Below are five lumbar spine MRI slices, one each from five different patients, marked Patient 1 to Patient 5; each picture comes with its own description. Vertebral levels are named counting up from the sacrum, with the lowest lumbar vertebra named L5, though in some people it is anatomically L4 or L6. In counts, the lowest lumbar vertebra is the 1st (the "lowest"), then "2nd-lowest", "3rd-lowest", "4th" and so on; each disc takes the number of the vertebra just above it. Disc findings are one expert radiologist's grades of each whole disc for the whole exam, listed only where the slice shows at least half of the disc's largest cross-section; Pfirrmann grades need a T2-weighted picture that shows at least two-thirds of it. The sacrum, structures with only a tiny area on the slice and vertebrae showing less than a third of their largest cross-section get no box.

Patient 1 of 5:
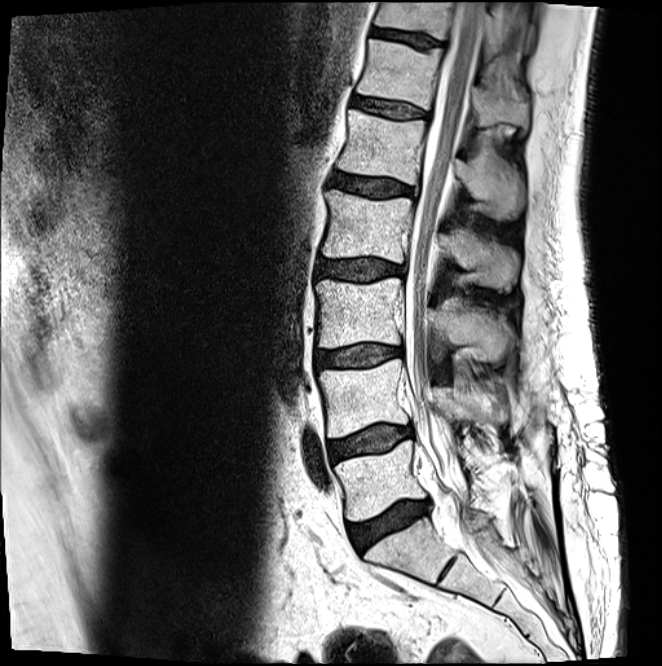
Sex M. Slice 11/21. Field of view 300x302 mm. MRI lumbar spine (T2-weighted), sagittal plane.

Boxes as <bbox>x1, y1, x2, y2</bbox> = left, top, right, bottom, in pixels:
L1 (5th vertebra): <bbox>338, 108, 524, 219</bbox>
L3/L4 (3rd-lowest disc): <bbox>316, 344, 401, 369</bbox>
L2 (4th vertebra): <bbox>322, 189, 519, 292</bbox>
L5/S1 (lowest disc): <bbox>348, 501, 430, 551</bbox>
disc L4/L5 (2nd-lowest disc): <bbox>327, 425, 413, 461</bbox>
disc T12/L1 (6th disc): <bbox>353, 96, 427, 118</bbox>
L5 (lowest vertebra): <bbox>334, 440, 509, 521</bbox>
T11 (7th vertebra): <bbox>375, 2, 506, 58</bbox>
thecal sac / spinal canal: <bbox>404, 2, 481, 498</bbox>
disc L1/L2 (5th disc): <bbox>332, 172, 414, 196</bbox>
disc T11/T12 (7th disc): <bbox>372, 28, 440, 47</bbox>
T12 (6th vertebra): <bbox>357, 40, 528, 128</bbox>
L4 (2nd-lowest vertebra): <bbox>318, 359, 502, 437</bbox>
disc L2/L3 (4th disc): <bbox>317, 259, 404, 281</bbox>
L3 (3rd-lowest vertebra): <bbox>316, 278, 514, 363</bbox>

Expert MSK radiologist gradings (per disc):
• L5/S1 (lowest disc): Pfirrmann grade 3, disc bulging, disc narrowing, Modic type II
• T12/L1 (6th disc): Pfirrmann grade 2
• L3/L4 (3rd-lowest disc): Pfirrmann grade 2, Modic type II, disc bulging
• L2/L3 (4th disc): Pfirrmann grade 3, disc bulging
• L4/L5 (2nd-lowest disc): Pfirrmann grade 2, Modic type II, disc bulging
• L1/L2 (5th disc): Pfirrmann grade 3, disc bulging
• T11/T12 (7th disc): Pfirrmann grade 3

Patient 2 of 5:
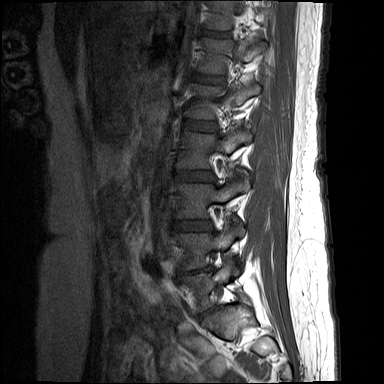

384x384 px; Lumbar spine MR, T1-weighted, sagittal

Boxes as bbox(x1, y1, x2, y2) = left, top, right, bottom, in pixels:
Annotations:
* disc T12/L1 (6th disc) = bbox(192, 73, 222, 83)
* L5 (lowest vertebra) = bbox(186, 258, 238, 311)
* L4/L5 (2nd-lowest disc) = bbox(188, 266, 211, 273)
* disc L1/L2 (5th disc) = bbox(183, 119, 214, 131)
* L4 (2nd-lowest vertebra) = bbox(176, 220, 244, 269)
* disc L2/L3 (4th disc) = bbox(176, 171, 213, 181)
* T11 (7th vertebra) = bbox(209, 0, 259, 29)
* L5/S1 (lowest disc) = bbox(199, 306, 218, 318)
* T11/T12 (7th disc) = bbox(205, 31, 227, 37)
* L3/L4 (3rd-lowest disc) = bbox(174, 220, 211, 230)
* L3 (3rd-lowest vertebra) = bbox(177, 176, 249, 218)
* L1 (5th vertebra) = bbox(188, 84, 260, 118)
* L2 (4th vertebra) = bbox(177, 131, 251, 168)
* T12 (6th vertebra) = bbox(200, 38, 265, 73)

Per-level radiological findings:
- L2/L3 (4th disc): disc bulging
- L3/L4 (3rd-lowest disc): upper-endplate change, disc bulging
- T12/L1 (6th disc), L1/L2 (5th disc), T11/T12 (7th disc): no Modic or endplate change, herniation, narrowing, bulging or spondylolisthesis recorded

Patient 3 of 5:
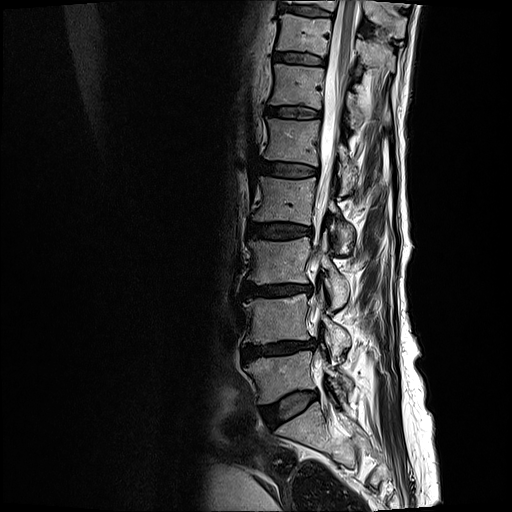 MRI lumbar spine (T2-weighted), sagittal plane. 512x512 px.
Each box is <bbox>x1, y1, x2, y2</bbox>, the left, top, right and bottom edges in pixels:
intervertebral disc T11/T12 (7th disc) at <bbox>273, 51, 326, 64</bbox> | T12 (6th vertebra) at <bbox>269, 64, 390, 128</bbox> | L3 (3rd-lowest vertebra) at <bbox>248, 233, 349, 307</bbox> | T11 (7th vertebra) at <bbox>276, 14, 394, 73</bbox> | L2/L3 (4th disc) at <bbox>247, 222, 312, 238</bbox> | intervertebral disc T12/L1 (6th disc) at <bbox>267, 106, 320, 117</bbox> | L3/L4 (3rd-lowest disc) at <bbox>243, 283, 311, 296</bbox> | L2 (4th vertebra) at <bbox>252, 176, 354, 252</bbox> | intervertebral disc L5/S1 (lowest disc) at <bbox>263, 391, 317, 423</bbox> | L5 (lowest vertebra) at <bbox>246, 350, 353, 404</bbox> | T10 (8th vertebra) at <bbox>288, 0, 406, 37</bbox> | spinal canal at <bbox>311, 0, 358, 320</bbox> | L1 (5th vertebra) at <bbox>265, 117, 358, 193</bbox> | L1/L2 (5th disc) at <bbox>260, 162, 317, 177</bbox> | L4 (2nd-lowest vertebra) at <bbox>243, 291, 351, 357</bbox> | L4/L5 (2nd-lowest disc) at <bbox>243, 340, 315, 360</bbox> | T10/T11 (8th disc) at <bbox>282, 6, 332, 16</bbox>

Per-level radiological findings:
  T12/L1 (6th disc): Pfirrmann grade 2, Modic type II, upper-endplate change, lower-endplate change
  L3/L4 (3rd-lowest disc): Pfirrmann grade 4, disc bulging, disc narrowing, Modic type II, upper-endplate change, lower-endplate change
  L5/S1 (lowest disc): Pfirrmann grade 2, disc bulging
  T10/T11 (8th disc): Pfirrmann grade 2, upper-endplate change, lower-endplate change
  L1/L2 (5th disc): Pfirrmann grade 3, upper-endplate change, lower-endplate change, Modic type II
  L4/L5 (2nd-lowest disc): Pfirrmann grade 4, upper-endplate change, lower-endplate change, Modic type II, disc narrowing, disc bulging
  T11/T12 (7th disc): Pfirrmann grade 2, Modic type II, upper-endplate change, lower-endplate change
  L2/L3 (4th disc): Pfirrmann grade 3, lower-endplate change, Modic type II, upper-endplate change, disc bulging

Patient 4 of 5:
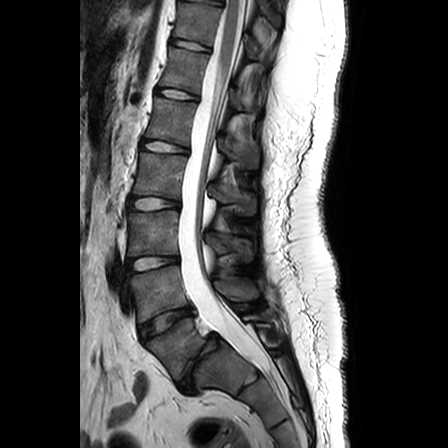 Patient sex: F; Image 448x448; MRI lumbar spine (T2-weighted), sagittal plane

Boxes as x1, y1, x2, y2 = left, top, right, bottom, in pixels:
4th vertebra at 133, 152, 255, 214.
5th vertebra at 146, 97, 258, 167.
3rd-lowest vertebra at 127, 211, 252, 260.
Lowest vertebra at 146, 313, 273, 380.
7th disc at 171, 39, 208, 50.
6th vertebra at 160, 47, 242, 109.
Thecal sac / spinal canal at 178, 0, 266, 368.
2nd-lowest vertebra at 129, 266, 258, 321.
2nd-lowest disc at 139, 307, 193, 340.
3rd-lowest disc at 128, 256, 177, 272.
7th vertebra at 173, 3, 255, 58.
4th disc at 127, 197, 179, 209.
Lowest disc at 178, 334, 220, 388.
6th disc at 157, 89, 198, 99.
5th disc at 145, 141, 187, 154.

Radiological gradings:
- lowest disc: Pfirrmann grade 1, disc narrowing, disc bulging, spondylolisthesis, lower-endplate change
- 5th disc: Pfirrmann grade 1
- 6th disc: Pfirrmann grade 1
- 4th disc: Pfirrmann grade 4
- 7th disc: Pfirrmann grade 1
- 2nd-lowest disc: Pfirrmann grade 1, disc bulging
- 3rd-lowest disc: Pfirrmann grade 3

Patient 5 of 5:
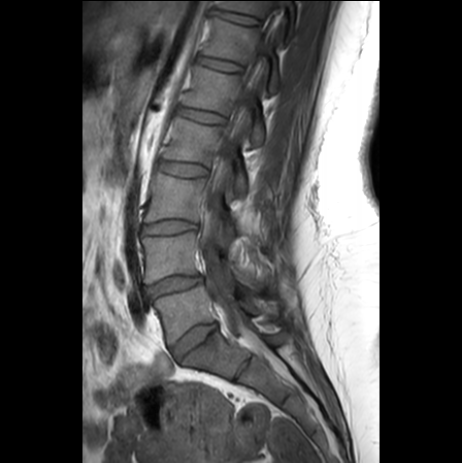
Field of view 280x281 mm; 462x463 px; Slice 11 of 24; T1-weighted sagittal MRI of the lumbar spine
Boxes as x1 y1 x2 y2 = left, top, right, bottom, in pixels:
L3/L4: 143 220 196 234.
L5 vertebra: 155 284 260 342.
L4/L5: 147 275 201 296.
L1/L2: 178 106 224 123.
L1: 183 66 264 144.
T11/T12: 215 9 258 24.
Spinal canal: 199 1 285 372.
L4 vertebra: 142 232 269 284.
L3 vertebra: 145 173 266 241.
IVD T12/L1: 198 56 240 71.
IVD L2/L3: 158 160 206 176.
T11 vertebra: 216 1 296 40.
L2: 163 117 245 194.
T12: 203 17 284 91.
L5/S1: 172 322 217 359.

Expert MSK radiologist gradings (per disc):
• L5/S1: disc narrowing, disc bulging
• L4/L5: disc narrowing, disc bulging
• T11/T12, L3/L4, L1/L2, T12/L1, L2/L3: no Modic or endplate change, herniation, narrowing, bulging or spondylolisthesis recorded